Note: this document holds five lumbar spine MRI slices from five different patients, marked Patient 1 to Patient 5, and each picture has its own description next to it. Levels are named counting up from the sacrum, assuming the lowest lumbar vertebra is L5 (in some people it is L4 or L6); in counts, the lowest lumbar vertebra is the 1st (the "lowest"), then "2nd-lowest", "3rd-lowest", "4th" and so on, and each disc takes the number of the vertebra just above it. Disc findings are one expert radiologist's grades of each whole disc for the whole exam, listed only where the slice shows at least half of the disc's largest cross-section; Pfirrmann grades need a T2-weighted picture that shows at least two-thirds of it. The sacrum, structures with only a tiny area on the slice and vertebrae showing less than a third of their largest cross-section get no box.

Patient 1 of 5:
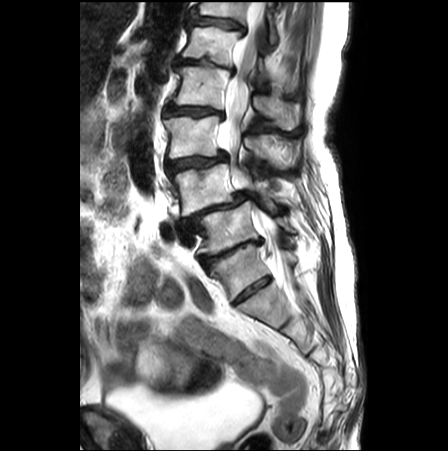 Lumbar spine MR, T2-weighted, sagittal. Slice spacing 3.3 mm. Image 448x451. Sagittal slice index 12.

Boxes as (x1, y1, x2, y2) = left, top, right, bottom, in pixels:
T12 (6th vertebra) at (193, 1, 277, 44).
L2 (4th vertebra) at (172, 64, 296, 129).
Spinal canal at (218, 2, 290, 282).
L3 (3rd-lowest vertebra) at (164, 116, 294, 163).
L1 (5th vertebra) at (182, 26, 289, 87).
L4/L5 (2nd-lowest disc) at (183, 192, 249, 232).
L5/S1 (lowest disc) at (199, 238, 262, 271).
L3/L4 (3rd-lowest disc) at (166, 153, 226, 173).
T12/L1 (6th disc) at (188, 11, 245, 32).
Intervertebral disc L2/L3 (4th disc) at (164, 103, 225, 118).
L1/L2 (5th disc) at (174, 58, 234, 74).
L4 (2nd-lowest vertebra) at (170, 163, 281, 216).
L5 (lowest vertebra) at (198, 201, 297, 253).

Per-level radiological findings:
  L3/L4 (3rd-lowest disc): Pfirrmann grade 4, upper-endplate change, lower-endplate change, disc bulging, Modic type II, disc narrowing, spondylolisthesis
  T12/L1 (6th disc): Pfirrmann grade 4, disc bulging, upper-endplate change, lower-endplate change
  L4/L5 (2nd-lowest disc): Pfirrmann grade 5, lower-endplate change, disc bulging, spondylolisthesis, disc narrowing, Modic type II, upper-endplate change, disc herniation
  L1/L2 (5th disc): Pfirrmann grade 5, disc narrowing, disc bulging, lower-endplate change
  L5/S1 (lowest disc): Pfirrmann grade 5, disc bulging, Modic type II, upper-endplate change, disc narrowing, lower-endplate change, disc herniation
  L2/L3 (4th disc): Pfirrmann grade 4, spondylolisthesis, disc narrowing, Modic type II, disc bulging, lower-endplate change, upper-endplate change

Patient 2 of 5:
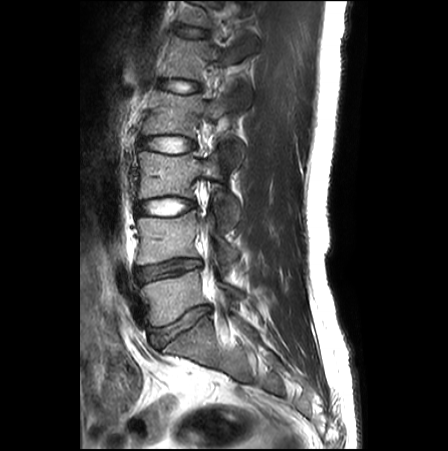
Sagittal T2-weighted lumbar spine MRI; Image 448x451

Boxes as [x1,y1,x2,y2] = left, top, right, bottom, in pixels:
Segmented structures:
* T12/L1 (6th disc) at [185,31,202,37]
* L2 (4th vertebra) at [142,91,244,162]
* L2/L3 (4th disc) at [140,136,194,152]
* intervertebral disc L4/L5 (2nd-lowest disc) at [137,259,201,282]
* L5 (lowest vertebra) at [141,269,241,326]
* L3 (3rd-lowest vertebra) at [138,152,240,228]
* L1/L2 (5th disc) at [163,82,198,92]
* L1 (5th vertebra) at [163,36,254,106]
* L4 (2nd-lowest vertebra) at [137,211,238,268]
* intervertebral disc L3/L4 (3rd-lowest disc) at [137,197,195,215]
* intervertebral disc L5/S1 (lowest disc) at [152,306,210,346]

Expert MSK radiologist gradings (per disc):
  L3/L4 (3rd-lowest disc): Pfirrmann grade 1
  L4/L5 (2nd-lowest disc): Pfirrmann grade 3, disc narrowing, disc bulging
  L5/S1 (lowest disc): Pfirrmann grade 3, disc narrowing, disc bulging
  L2/L3 (4th disc): Pfirrmann grade 1

Patient 3 of 5:
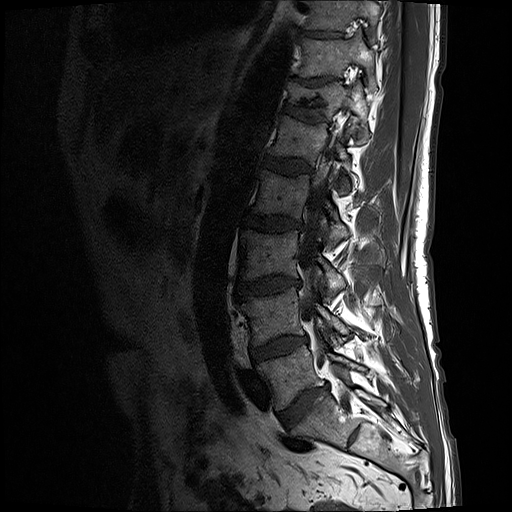 Slice 6/17 | Sex M | Lumbar spine MR, T1-weighted, sagittal
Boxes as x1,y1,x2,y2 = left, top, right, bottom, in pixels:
L4: 238,287,348,346 | T10: 305,0,378,41 | T12/L1: 282,103,324,121 | L3: 241,230,345,293 | T11 vertebra: 294,35,377,91 | L5 vertebra: 257,345,361,408 | L2/L3: 244,215,301,231 | disc L1/L2: 262,155,311,174 | L2: 252,169,349,241 | L1: 269,115,351,193 | T11/T12: 303,78,329,85 | T12: 286,80,369,142 | L3/L4: 236,276,299,298 | disc L5/S1: 278,388,321,426 | thecal sac / spinal canal: 298,131,341,364 | L4/L5: 251,335,307,360 | disc T10/T11: 302,31,341,37

Per-level radiological findings:
• L2/L3: disc bulging, Modic type II
• L5/S1: disc narrowing, disc bulging
• T12/L1: lower-endplate change, upper-endplate change
• T11/T12: disc narrowing, lower-endplate change, upper-endplate change
• L3/L4: Modic type II, disc bulging, disc narrowing
• L4/L5: Modic type II, disc bulging
• L1/L2, T10/T11: no spondylolisthesis, narrowing, bulging, herniation, Modic or endplate change recorded

Patient 4 of 5:
Slice 110/120, T2 SPACE (3D) sagittal MRI of the lumbar spine, 512x640 px 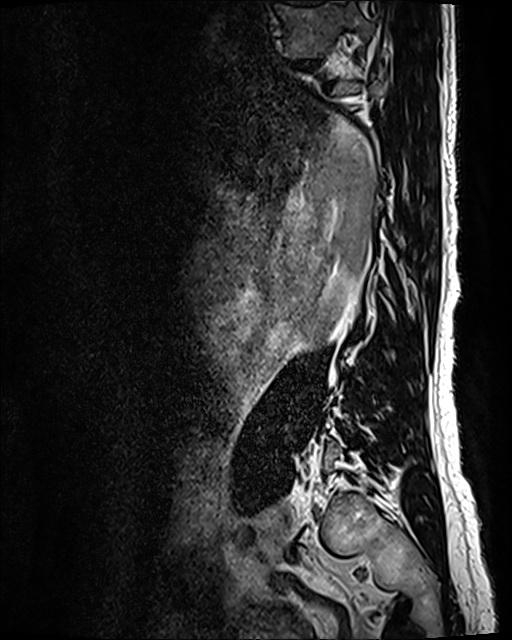 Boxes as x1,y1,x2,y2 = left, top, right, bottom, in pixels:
IVD T10/T11 = 292,57,319,68.
T10 = 276,2,373,57.

Patient 5 of 5:
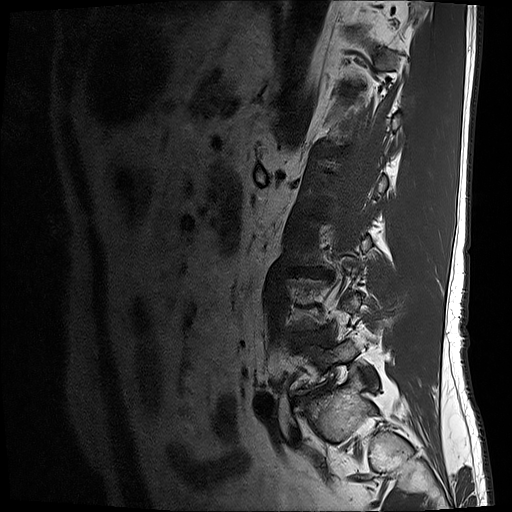 Field of view 300x300 mm, slice spacing 3.3 mm; Slice 2 of 17; Image 512x512; Lumbar spine MR, T1-weighted, sagittal

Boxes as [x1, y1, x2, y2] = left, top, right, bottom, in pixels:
{"T11/T12": "[346, 30, 361, 35]", "L4/L5": "[288, 332, 326, 344]", "L3/L4": "[292, 269, 332, 277]", "disc L5/S1": "[295, 390, 322, 402]"}